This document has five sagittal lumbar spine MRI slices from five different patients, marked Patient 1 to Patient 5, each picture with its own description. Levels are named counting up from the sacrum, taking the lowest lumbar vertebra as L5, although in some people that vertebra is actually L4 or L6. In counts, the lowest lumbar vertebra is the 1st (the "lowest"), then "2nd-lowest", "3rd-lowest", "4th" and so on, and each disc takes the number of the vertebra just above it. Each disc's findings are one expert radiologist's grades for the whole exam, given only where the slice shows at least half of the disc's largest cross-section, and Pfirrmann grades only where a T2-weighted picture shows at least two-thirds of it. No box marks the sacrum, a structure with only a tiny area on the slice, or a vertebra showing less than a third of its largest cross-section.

Patient 1 of 5:
MRI lumbar spine (T1-weighted), sagittal plane 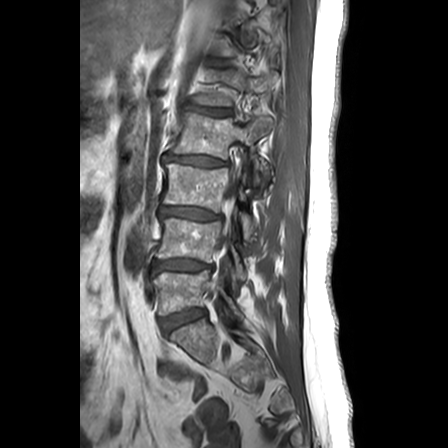 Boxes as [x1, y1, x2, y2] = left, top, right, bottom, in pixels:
L1/L2 at [187, 105, 232, 115], L1 vertebra at [192, 71, 277, 105], L4/L5 at [152, 259, 212, 273], L3 at [164, 164, 256, 239], IVD L3/L4 at [162, 206, 219, 220], L2/L3 at [166, 154, 226, 166], L5 at [154, 270, 241, 316], L2 vertebra at [173, 112, 274, 180], L4 vertebra at [156, 218, 247, 281], L5/S1 at [161, 309, 206, 331], spinal canal at [220, 175, 237, 250].

Per-level radiological findings:
  L3/L4: disc bulging, lower-endplate change, Modic type II, upper-endplate change, disc narrowing
  L2/L3: disc narrowing, Modic type II, lower-endplate change, upper-endplate change, disc bulging
  L4/L5: disc bulging, upper-endplate change, Modic type II, lower-endplate change
  L1/L2: disc bulging, disc narrowing
  L5/S1: upper-endplate change, lower-endplate change, Modic type II

Patient 2 of 5:
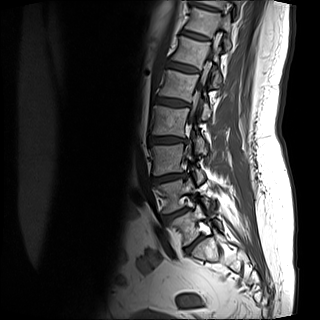 Sex M, Sagittal T1-weighted lumbar spine MRI

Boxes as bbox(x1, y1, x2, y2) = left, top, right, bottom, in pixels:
L3/L4 (3rd-lowest disc): bbox(152, 173, 184, 183)
L2/L3 (4th disc): bbox(148, 137, 186, 144)
T10 (8th vertebra): bbox(190, 0, 242, 8)
IVD T10/T11 (8th disc): bbox(195, 5, 218, 11)
L3 (3rd-lowest vertebra): bbox(151, 141, 204, 183)
L5 (lowest vertebra): bbox(171, 204, 221, 245)
L4/L5 (2nd-lowest disc): bbox(165, 207, 188, 220)
L2 (4th vertebra): bbox(150, 105, 206, 152)
T11 (7th vertebra): bbox(185, 7, 231, 50)
T11/T12 (7th disc): bbox(182, 30, 208, 39)
T12/L1 (6th disc): bbox(167, 62, 197, 72)
L1 (5th vertebra): bbox(159, 70, 212, 119)
T12 (6th vertebra): bbox(172, 36, 221, 87)
L1/L2 (5th disc): bbox(155, 97, 190, 106)
IVD L5/S1 (lowest disc): bbox(185, 237, 203, 252)
L4 (2nd-lowest vertebra): bbox(155, 178, 209, 213)
spinal canal: bbox(189, 61, 209, 125)

Expert MSK radiologist gradings (per disc):
  L3/L4 (3rd-lowest disc): disc bulging, disc narrowing
  L2/L3 (4th disc): disc bulging, disc narrowing
  T10/T11 (8th disc), L1/L2 (5th disc), T12/L1 (6th disc), T11/T12 (7th disc): no Modic or endplate change, herniation, narrowing, bulging or spondylolisthesis recorded

Patient 3 of 5:
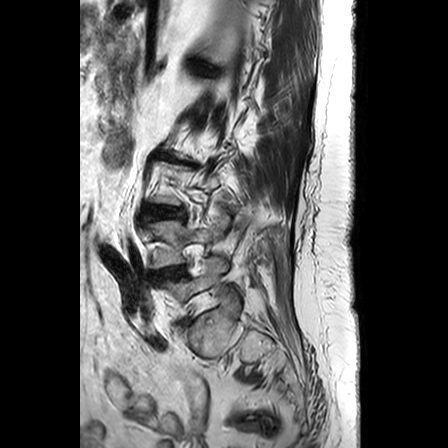

T2-weighted sagittal MRI of the lumbar spine | Sex F
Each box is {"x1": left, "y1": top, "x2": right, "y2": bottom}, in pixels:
L5 vertebra = {"x1": 161, "y1": 257, "x2": 228, "y2": 301}.
Disc L3/L4 = {"x1": 153, "y1": 206, "x2": 181, "y2": 216}.
Disc L4/L5 = {"x1": 156, "y1": 267, "x2": 183, "y2": 278}.
Disc L2/L3 = {"x1": 157, "y1": 153, "x2": 199, "y2": 167}.

Patient 4 of 5:
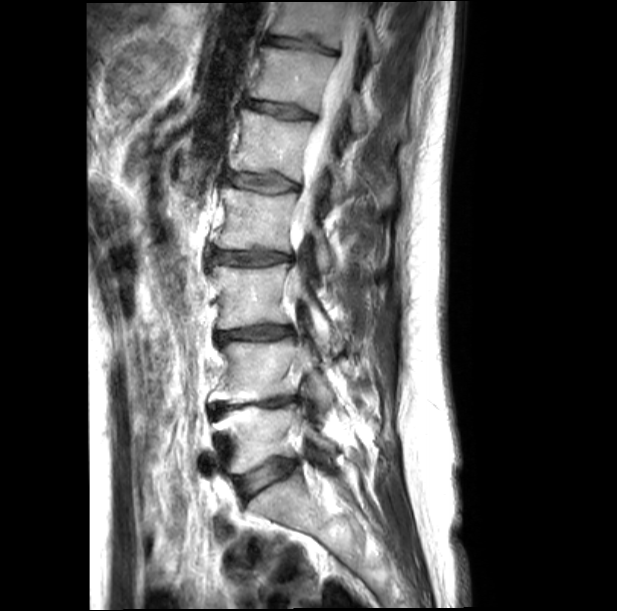
Patient sex: M; T2-weighted sagittal MRI of the lumbar spine; Slice spacing 4.4 mm; 617x611 px

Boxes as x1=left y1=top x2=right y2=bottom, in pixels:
Structures:
- T11 (7th vertebra) — x1=271 y1=2 x2=378 y2=60
- T11/T12 (7th disc) — x1=265 y1=36 x2=335 y2=54
- spinal canal — x1=289 y1=15 x2=361 y2=296
- L5 (lowest vertebra) — x1=214 y1=404 x2=337 y2=473
- L4 (2nd-lowest vertebra) — x1=213 y1=338 x2=335 y2=409
- L2/L3 (4th disc) — x1=211 y1=249 x2=292 y2=265
- T12 (6th vertebra) — x1=249 y1=46 x2=405 y2=134
- IVD L1/L2 (5th disc) — x1=230 y1=173 x2=297 y2=192
- L4/L5 (2nd-lowest disc) — x1=211 y1=397 x2=298 y2=416
- T12/L1 (6th disc) — x1=245 y1=99 x2=314 y2=118
- IVD L3/L4 (3rd-lowest disc) — x1=216 y1=324 x2=294 y2=341
- L5/S1 (lowest disc) — x1=237 y1=459 x2=297 y2=497
- L3 (3rd-lowest vertebra) — x1=211 y1=263 x2=335 y2=347
- L1 (5th vertebra) — x1=230 y1=109 x2=349 y2=202
- L2 (4th vertebra) — x1=216 y1=187 x2=333 y2=274

Per-level radiological findings:
  L1/L2 (5th disc): Pfirrmann grade 3, lower-endplate change, disc bulging, upper-endplate change
  L3/L4 (3rd-lowest disc): Pfirrmann grade 3, lower-endplate change, disc narrowing, disc bulging, upper-endplate change
  T12/L1 (6th disc): Pfirrmann grade 3, disc narrowing, disc bulging, lower-endplate change, upper-endplate change
  L5/S1 (lowest disc): Pfirrmann grade 2, disc bulging
  L2/L3 (4th disc): Pfirrmann grade 3, upper-endplate change, lower-endplate change, disc bulging
  T11/T12 (7th disc): Pfirrmann grade 3, upper-endplate change, lower-endplate change, disc narrowing
  L4/L5 (2nd-lowest disc): Pfirrmann grade 5, upper-endplate change, lower-endplate change, disc bulging, disc narrowing

Patient 5 of 5:
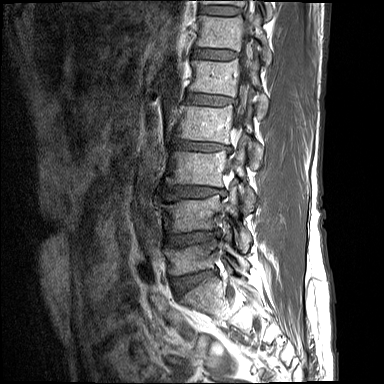 MRI lumbar spine (T1-weighted), sagittal plane, Sagittal slice index 5
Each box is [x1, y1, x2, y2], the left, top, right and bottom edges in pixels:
4th disc — [173, 141, 231, 151].
6th disc — [192, 48, 237, 60].
3rd-lowest disc — [166, 186, 225, 199].
7th vertebra — [201, 0, 273, 19].
2nd-lowest disc — [165, 231, 219, 245].
7th disc — [200, 6, 240, 15].
Spinal canal — [234, 65, 250, 138].
3rd-lowest vertebra — [166, 149, 255, 207].
4th vertebra — [173, 105, 263, 168].
2nd-lowest vertebra — [162, 190, 251, 252].
5th disc — [185, 91, 233, 106].
5th vertebra — [189, 58, 267, 120].
Lowest disc — [172, 269, 216, 295].
Lowest vertebra — [164, 231, 249, 275].
6th vertebra — [196, 12, 271, 65].

Degenerative findings by level:
  5th disc: upper-endplate change, disc bulging, lower-endplate change
  3rd-lowest disc: lower-endplate change, disc bulging, upper-endplate change
  2nd-lowest disc: upper-endplate change, disc bulging, lower-endplate change
  lowest disc: upper-endplate change, lower-endplate change, disc narrowing, disc bulging
  4th disc: lower-endplate change, upper-endplate change, disc narrowing, disc bulging
  6th disc: upper-endplate change, lower-endplate change
  7th disc: no spondylolisthesis, narrowing, bulging, herniation, Modic or endplate change recorded